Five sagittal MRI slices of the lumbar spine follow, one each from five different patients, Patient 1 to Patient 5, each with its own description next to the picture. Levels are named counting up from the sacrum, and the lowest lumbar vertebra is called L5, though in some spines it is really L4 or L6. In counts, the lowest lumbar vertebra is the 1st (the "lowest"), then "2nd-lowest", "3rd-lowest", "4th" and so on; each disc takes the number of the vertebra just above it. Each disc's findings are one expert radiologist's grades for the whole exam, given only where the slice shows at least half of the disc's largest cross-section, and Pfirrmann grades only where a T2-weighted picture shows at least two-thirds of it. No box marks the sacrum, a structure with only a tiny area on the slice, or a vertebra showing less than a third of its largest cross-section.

Patient 1 of 5:
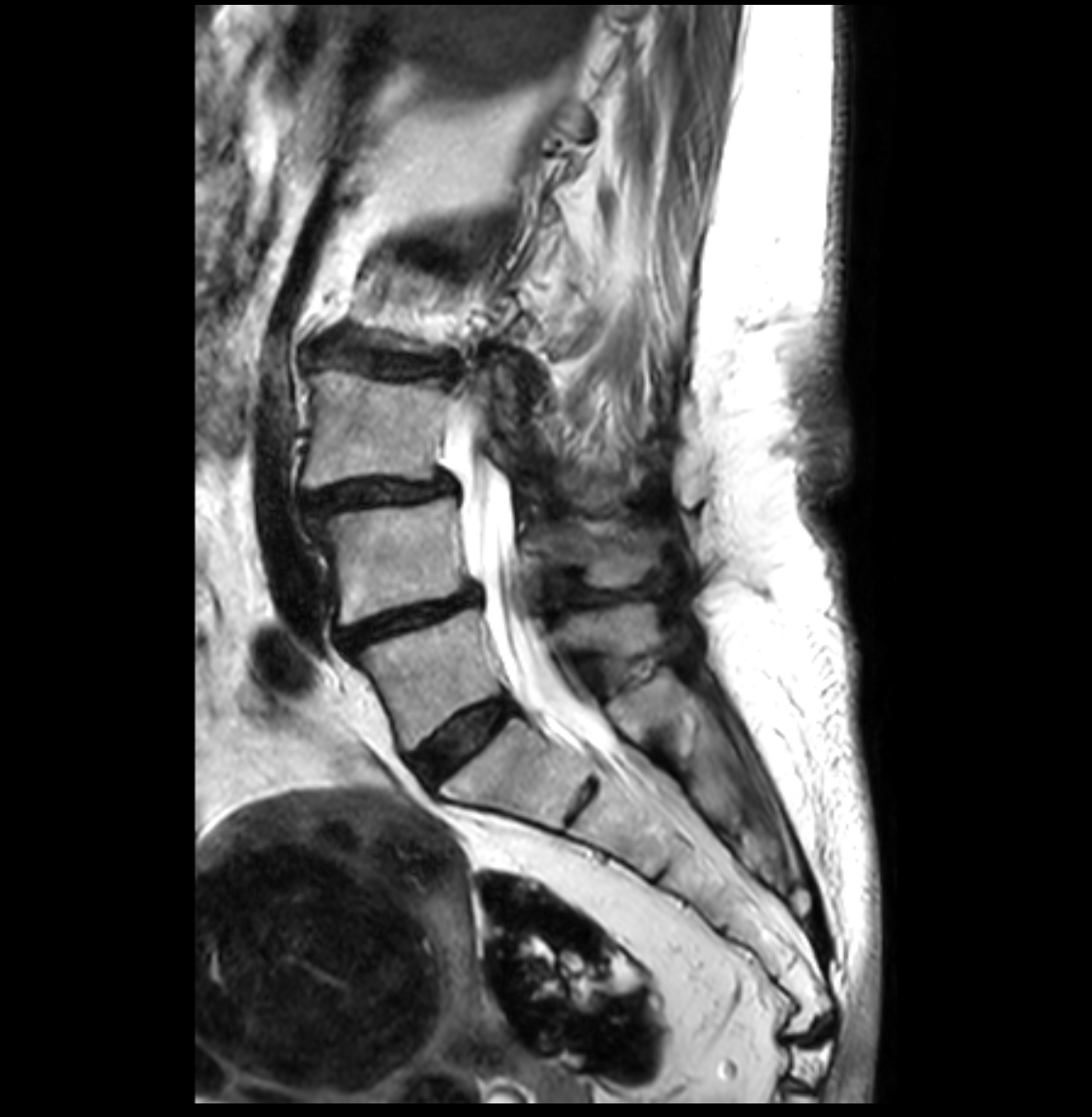
Slice 14/33 | Lumbar spine MR, T2-weighted, sagittal

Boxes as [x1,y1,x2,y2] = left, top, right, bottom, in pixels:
2nd-lowest vertebra at [312,497,652,624].
Lowest vertebra at [356,605,657,751].
Lowest disc at [412,698,513,784].
Spinal canal at [441,408,614,751].
3rd-lowest disc at [305,475,450,515].
3rd-lowest vertebra at [302,366,619,498].
4th disc at [315,338,460,377].
2nd-lowest disc at [339,593,477,650].

Per-level radiological findings:
• lowest disc: Pfirrmann grade 2
• 4th disc: Pfirrmann grade 4, disc narrowing, disc bulging, upper-endplate change, lower-endplate change
• 2nd-lowest disc: Pfirrmann grade 4, disc bulging, disc narrowing
• 3rd-lowest disc: Pfirrmann grade 4, disc narrowing, disc bulging, spondylolisthesis

Patient 2 of 5:
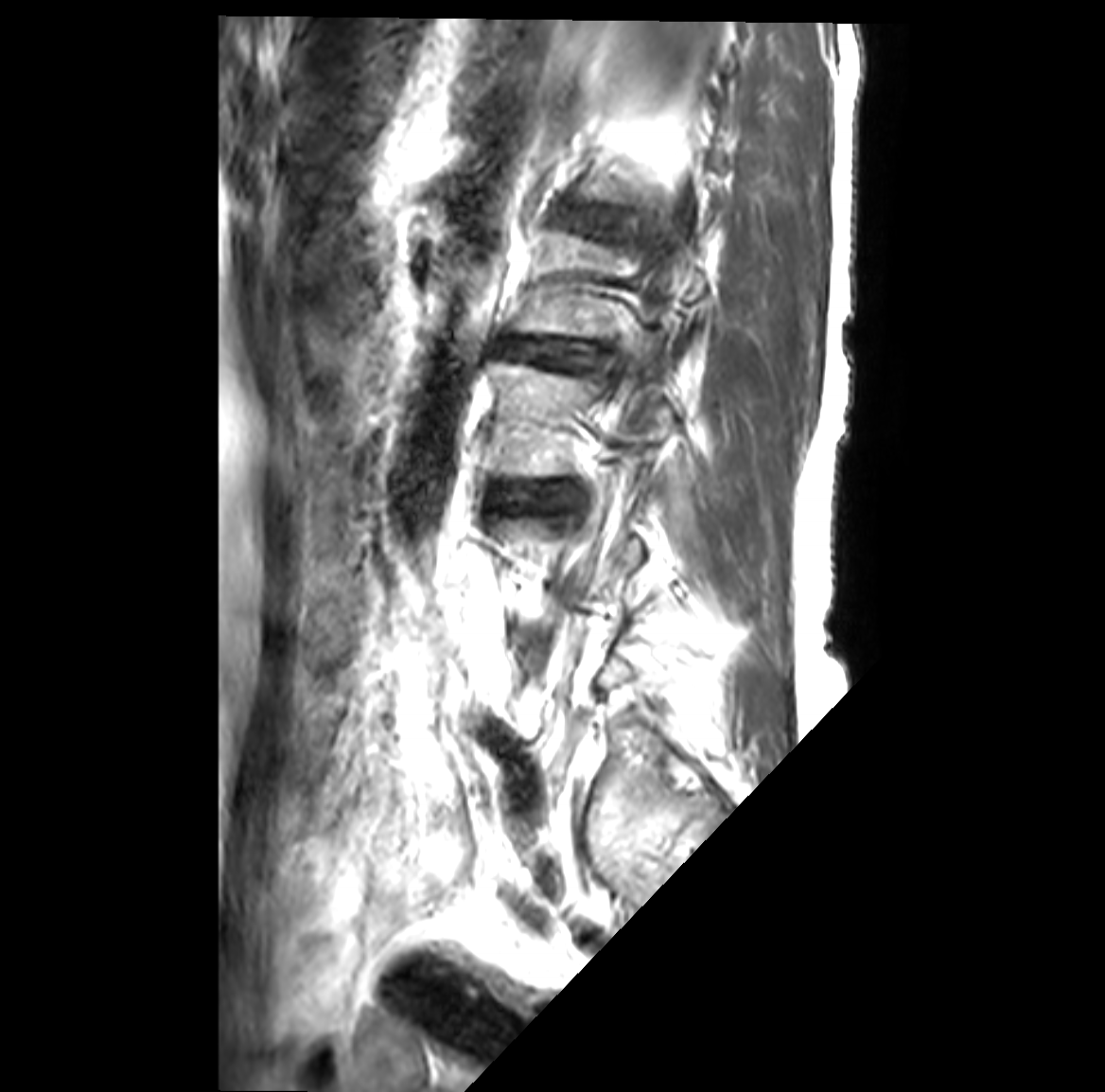

1105x1092 px | Slice 29 of 41 | Sagittal T2-weighted lumbar spine MRI | Field of view 290x286 mm, slice spacing 3.4 mm

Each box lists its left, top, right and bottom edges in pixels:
3rd-lowest disc: left=495, top=483, right=555, bottom=501
3rd-lowest vertebra: left=490, top=361, right=673, bottom=475
4th disc: left=503, top=339, right=604, bottom=367
4th vertebra: left=515, top=228, right=705, bottom=338

Radiological gradings:
- 4th disc: Pfirrmann grade 3, disc narrowing, disc bulging, Modic type II

Patient 3 of 5:
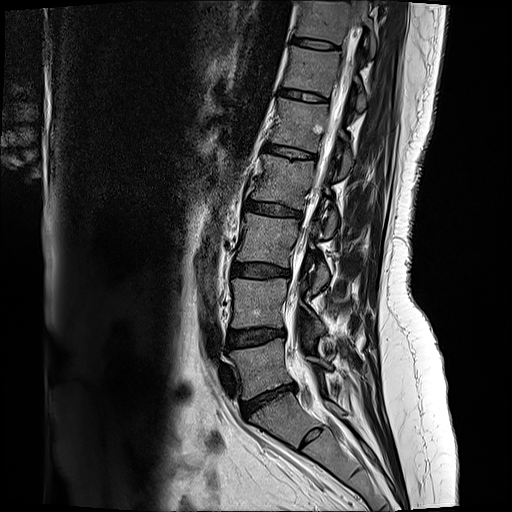 Field of view 300x300 mm, slice spacing 3.3 mm; Sagittal slice index 5; MRI lumbar spine (T2-weighted), sagittal plane; Image 512x512
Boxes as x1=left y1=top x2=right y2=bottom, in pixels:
T11 vertebra at x1=298 y1=2 x2=376 y2=55, disc T11/T12 at x1=293 y1=39 x2=337 y2=50, T12 at x1=284 y1=47 x2=365 y2=111, T12/L1 at x1=279 y1=89 x2=327 y2=102, L5 at x1=230 y1=340 x2=331 y2=398, L3 at x1=237 y1=212 x2=329 y2=292, L4/L5 at x1=226 y1=329 x2=285 y2=349, L2/L3 at x1=246 y1=202 x2=302 y2=219, L4 at x1=232 y1=279 x2=325 y2=331, L1 vertebra at x1=271 y1=99 x2=353 y2=174, disc L1/L2 at x1=266 y1=144 x2=314 y2=158, L2 at x1=246 y1=154 x2=338 y2=236, L5/S1 at x1=241 y1=386 x2=295 y2=418, spinal canal at x1=294 y1=51 x2=354 y2=345, disc L3/L4 at x1=232 y1=264 x2=290 y2=278.

Degenerative findings by level:
  T12/L1: Pfirrmann grade 2, upper-endplate change, lower-endplate change
  L2/L3: Pfirrmann grade 4, upper-endplate change, lower-endplate change, disc bulging
  T11/T12: Pfirrmann grade 2
  L5/S1: Pfirrmann grade 1, disc narrowing, disc bulging, disc herniation
  L4/L5: Pfirrmann grade 2, disc bulging
  L1/L2: Pfirrmann grade 2, lower-endplate change, upper-endplate change
  L3/L4: Pfirrmann grade 2, disc bulging

Patient 4 of 5:
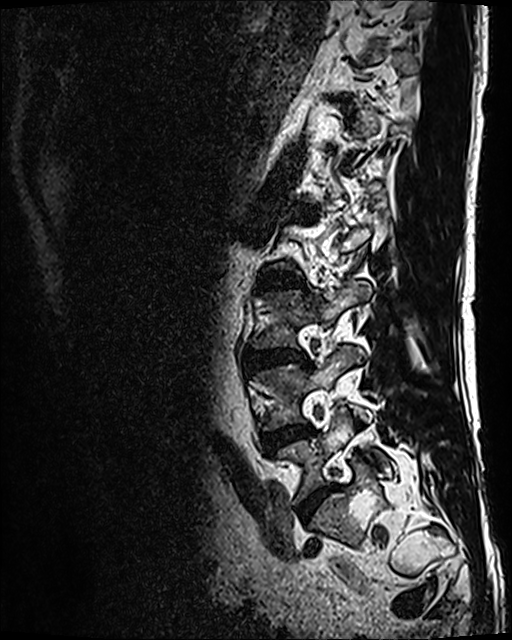 MRI lumbar spine (T2 SPACE (3D)), sagittal plane. Slice 36/120. Image 512x640. Patient sex: M.
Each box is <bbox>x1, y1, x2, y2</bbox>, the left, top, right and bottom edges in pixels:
L5 vertebra at <bbox>277, 408, 383, 504</bbox>, IVD L5/S1 at <bbox>298, 486, 335, 521</bbox>, L3 at <bbox>253, 280, 371, 348</bbox>, L4 vertebra at <bbox>255, 346, 359, 430</bbox>, L4/L5 at <bbox>261, 423, 314, 451</bbox>, L1/L2 at <bbox>294, 204, 316, 214</bbox>, IVD L2/L3 at <bbox>260, 271, 302, 289</bbox>, IVD L3/L4 at <bbox>245, 347, 306, 369</bbox>.

Per-level radiological findings:
- L3/L4: disc bulging, Modic type II, disc narrowing
- L4/L5: Modic type II, disc bulging

Patient 5 of 5:
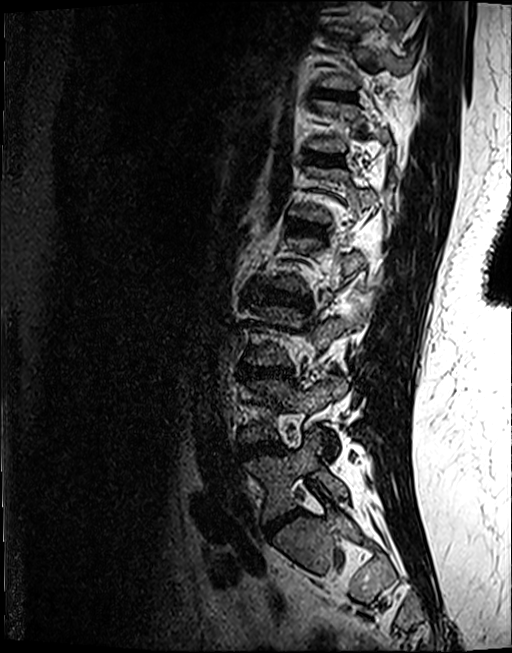
Slice 40 of 122 | T2 SPACE (3D) sagittal MRI of the lumbar spine | Slice spacing 0.9 mm

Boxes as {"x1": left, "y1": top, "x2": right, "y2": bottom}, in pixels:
intervertebral disc L1/L2: {"x1": 295, "y1": 221, "x2": 317, "y2": 233}
intervertebral disc T11/T12: {"x1": 324, "y1": 91, "x2": 353, "y2": 98}
L4/L5: {"x1": 242, "y1": 442, "x2": 280, "y2": 456}
L5/S1: {"x1": 264, "y1": 509, "x2": 300, "y2": 535}
L3/L4: {"x1": 247, "y1": 366, "x2": 290, "y2": 377}
L5 vertebra: {"x1": 245, "y1": 432, "x2": 347, "y2": 520}
L2/L3: {"x1": 250, "y1": 286, "x2": 308, "y2": 307}
T12/L1: {"x1": 312, "y1": 152, "x2": 340, "y2": 163}
L4: {"x1": 242, "y1": 376, "x2": 347, "y2": 442}

Degenerative findings by level:
- L2/L3: upper-endplate change, lower-endplate change, disc bulging